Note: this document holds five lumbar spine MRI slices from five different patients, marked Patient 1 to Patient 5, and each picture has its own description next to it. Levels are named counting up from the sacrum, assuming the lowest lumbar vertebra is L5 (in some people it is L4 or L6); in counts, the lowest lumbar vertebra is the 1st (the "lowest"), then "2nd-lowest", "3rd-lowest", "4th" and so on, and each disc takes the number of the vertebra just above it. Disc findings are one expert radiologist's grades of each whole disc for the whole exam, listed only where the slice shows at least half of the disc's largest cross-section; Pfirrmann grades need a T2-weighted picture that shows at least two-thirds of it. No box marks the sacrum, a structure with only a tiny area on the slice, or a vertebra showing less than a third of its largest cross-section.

Patient 1 of 5:
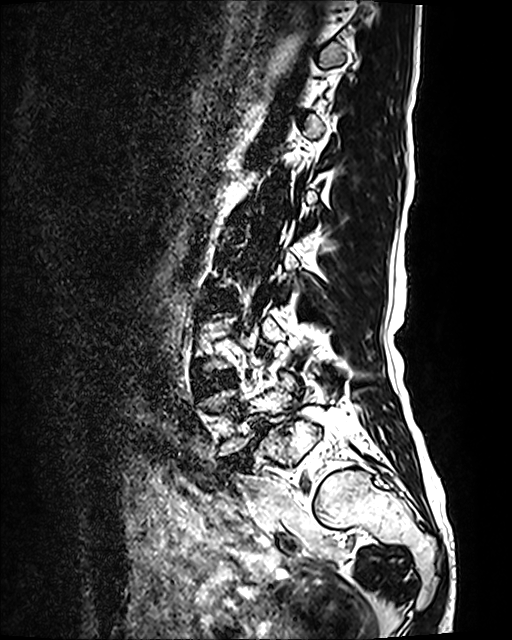

Field of view 240x300 mm, MRI lumbar spine (T2 SPACE (3D)), sagittal plane
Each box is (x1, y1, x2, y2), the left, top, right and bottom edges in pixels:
2nd-lowest disc — (193, 372, 236, 396).
Lowest vertebra — (196, 371, 295, 456).
Lowest disc — (223, 423, 266, 466).
3rd-lowest disc — (205, 292, 230, 306).

Patient 2 of 5:
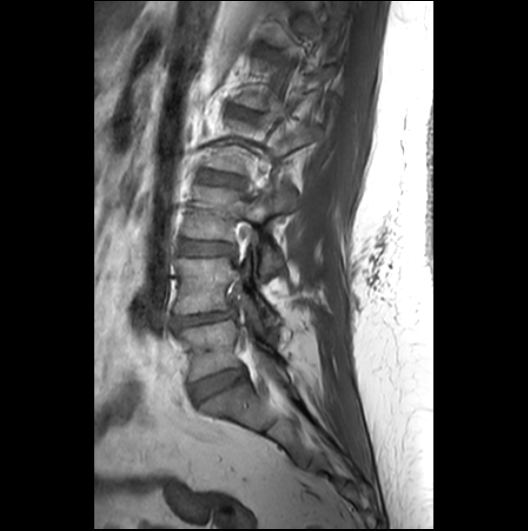 Sex F; Sagittal T1-weighted lumbar spine MRI

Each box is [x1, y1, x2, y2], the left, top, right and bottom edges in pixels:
• L4/L5 (2nd-lowest disc) — [172, 309, 235, 327]
• intervertebral disc L1/L2 (5th disc) — [227, 106, 256, 117]
• L3/L4 (3rd-lowest disc) — [178, 239, 235, 254]
• L4 (2nd-lowest vertebra) — [175, 257, 277, 323]
• L5 (lowest vertebra) — [178, 320, 284, 380]
• L5/S1 (lowest disc) — [191, 368, 245, 401]
• L3 (3rd-lowest vertebra) — [185, 185, 293, 277]
• intervertebral disc L2/L3 (4th disc) — [199, 170, 243, 185]

Radiological gradings:
• L4/L5 (2nd-lowest disc): disc herniation, disc narrowing
• L5/S1 (lowest disc), L3/L4 (3rd-lowest disc), L2/L3 (4th disc): no spondylolisthesis, narrowing, bulging, herniation, Modic or endplate change recorded

Patient 3 of 5:
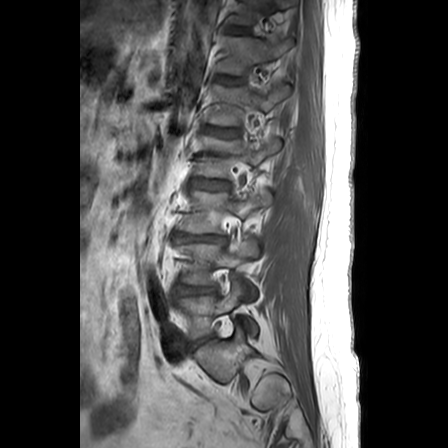 Sagittal T1-weighted lumbar spine MRI; Image 448x448
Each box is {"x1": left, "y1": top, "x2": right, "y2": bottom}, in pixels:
Lowest vertebra: {"x1": 177, "y1": 280, "x2": 258, "y2": 338}.
2nd-lowest vertebra: {"x1": 179, "y1": 236, "x2": 260, "y2": 298}.
6th vertebra: {"x1": 219, "y1": 36, "x2": 294, "y2": 74}.
6th disc: {"x1": 216, "y1": 75, "x2": 244, "y2": 84}.
5th disc: {"x1": 206, "y1": 126, "x2": 238, "y2": 137}.
4th disc: {"x1": 192, "y1": 179, "x2": 229, "y2": 189}.
Lowest disc: {"x1": 193, "y1": 337, "x2": 213, "y2": 348}.
5th vertebra: {"x1": 209, "y1": 83, "x2": 290, "y2": 125}.
3rd-lowest disc: {"x1": 176, "y1": 233, "x2": 227, "y2": 243}.
4th vertebra: {"x1": 197, "y1": 137, "x2": 282, "y2": 178}.
7th disc: {"x1": 226, "y1": 25, "x2": 248, "y2": 34}.
2nd-lowest disc: {"x1": 177, "y1": 286, "x2": 216, "y2": 296}.
3rd-lowest vertebra: {"x1": 182, "y1": 191, "x2": 274, "y2": 233}.
7th vertebra: {"x1": 227, "y1": 0, "x2": 294, "y2": 24}.

Degenerative findings by level:
• 3rd-lowest disc: disc herniation, disc narrowing, lower-endplate change, upper-endplate change, Modic type II
• 5th disc, 7th disc, 4th disc, 6th disc: no Modic or endplate change, herniation, narrowing, bulging or spondylolisthesis recorded

Patient 4 of 5:
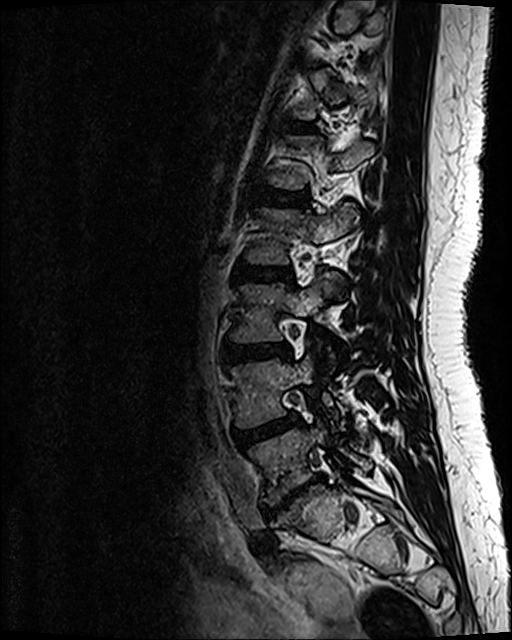 Patient sex: F, T2 SPACE (3D) sagittal MRI of the lumbar spine, Sagittal slice index 80

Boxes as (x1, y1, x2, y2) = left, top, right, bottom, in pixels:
• L5 vertebra = (249, 425, 371, 504)
• L2 = (246, 203, 356, 262)
• L3 = (231, 274, 335, 341)
• IVD L3/L4 = (224, 343, 290, 362)
• T12/L1 = (283, 120, 311, 131)
• L4/L5 = (233, 412, 298, 448)
• IVD L2/L3 = (235, 264, 291, 280)
• L4 vertebra = (230, 355, 313, 426)
• IVD L5/S1 = (262, 475, 323, 518)
• L1/L2 = (252, 187, 308, 206)

Expert MSK radiologist gradings (per disc):
• L1/L2: Pfirrmann grade 2
• L4/L5: disc bulging
• L3/L4: Pfirrmann grade 2, disc bulging
• L5/S1: Modic type III, disc bulging, lower-endplate change, upper-endplate change, disc narrowing, disc herniation
• L2/L3: no Modic or endplate change, herniation, narrowing, bulging or spondylolisthesis recorded

Patient 5 of 5:
Lumbar spine MR, T2 SPACE (3D), sagittal. Image 512x652. Patient sex: M. Field of view 240x306 mm. Sagittal slice index 36. 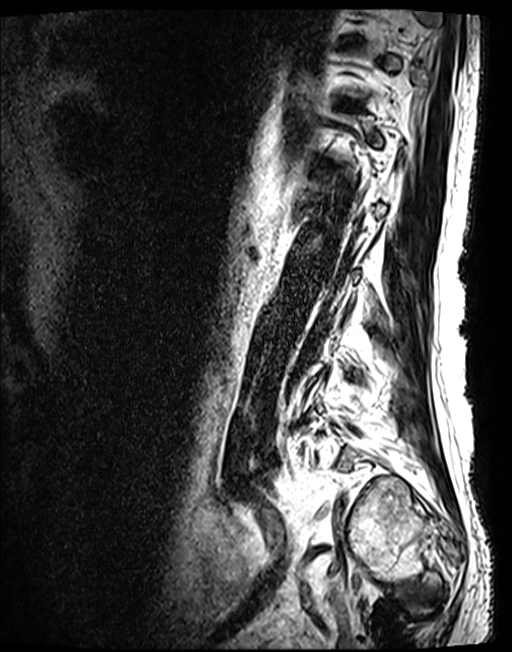
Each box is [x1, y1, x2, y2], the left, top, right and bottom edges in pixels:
8th disc — [341, 41, 357, 46].
6th disc — [319, 161, 339, 170].
7th disc — [336, 99, 360, 107].